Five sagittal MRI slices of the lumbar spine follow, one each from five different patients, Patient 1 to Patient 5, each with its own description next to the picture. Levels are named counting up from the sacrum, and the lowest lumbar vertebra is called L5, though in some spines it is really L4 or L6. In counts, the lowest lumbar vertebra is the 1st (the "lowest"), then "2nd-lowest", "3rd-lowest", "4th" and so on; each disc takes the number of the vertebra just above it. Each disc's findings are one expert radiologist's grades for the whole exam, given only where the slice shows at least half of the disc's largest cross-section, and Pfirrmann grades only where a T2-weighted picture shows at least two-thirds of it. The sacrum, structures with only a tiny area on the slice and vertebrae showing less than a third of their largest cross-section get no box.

Patient 1 of 5:
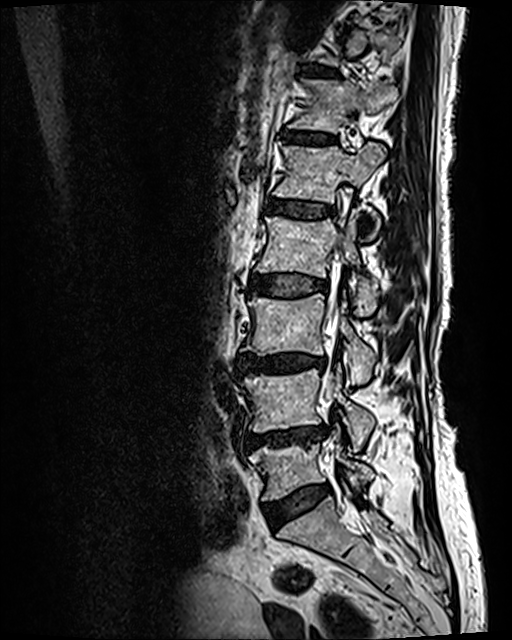 MRI lumbar spine (T2 SPACE (3D)), sagittal plane
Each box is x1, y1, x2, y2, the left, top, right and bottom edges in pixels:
Structures:
• 5th vertebra at 273, 143, 386, 238
• 4th vertebra at 256, 212, 379, 315
• 2nd-lowest vertebra at 239, 365, 374, 450
• lowest vertebra at 249, 434, 374, 500
• 5th disc at 267, 200, 333, 218
• spinal canal at 323, 255, 341, 398
• 4th disc at 254, 274, 328, 296
• 2nd-lowest disc at 240, 424, 329, 452
• 3rd-lowest vertebra at 242, 294, 376, 383
• 6th disc at 285, 131, 335, 144
• 3rd-lowest disc at 236, 354, 327, 373
• 6th vertebra at 289, 79, 397, 132
• lowest disc at 264, 485, 329, 527
• 7th disc at 305, 67, 335, 75

Degenerative findings by level:
• 2nd-lowest disc: Pfirrmann grade 4, disc bulging, disc narrowing, lower-endplate change, Modic type II, upper-endplate change
• 3rd-lowest disc: Pfirrmann grade 4, disc narrowing, Modic type II, upper-endplate change, disc bulging, lower-endplate change
• 4th disc: Pfirrmann grade 3, upper-endplate change, disc bulging, Modic type II, lower-endplate change
• 5th disc: Pfirrmann grade 3, upper-endplate change, lower-endplate change, Modic type II
• lowest disc: Pfirrmann grade 2, disc bulging
• 6th disc: Modic type II, upper-endplate change, lower-endplate change

Patient 2 of 5:
Sagittal T2-weighted lumbar spine MRI; Sex F; Image 448x450; Slice 9 of 26
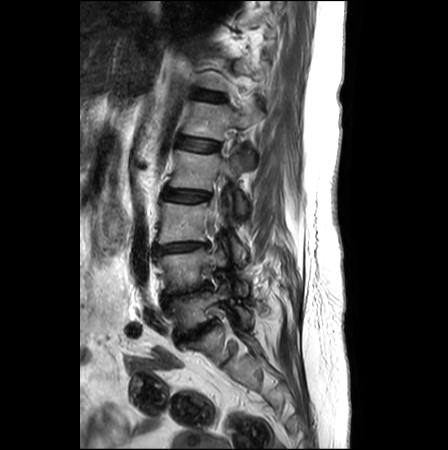

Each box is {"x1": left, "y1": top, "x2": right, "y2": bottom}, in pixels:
3rd-lowest disc at {"x1": 154, "y1": 242, "x2": 210, "y2": 253}, lowest vertebra at {"x1": 164, "y1": 284, "x2": 251, "y2": 334}, 4th vertebra at {"x1": 170, "y1": 150, "x2": 246, "y2": 213}, lowest disc at {"x1": 178, "y1": 319, "x2": 216, "y2": 342}, 2nd-lowest vertebra at {"x1": 155, "y1": 249, "x2": 248, "y2": 295}, 5th vertebra at {"x1": 184, "y1": 98, "x2": 263, "y2": 166}, 3rd-lowest vertebra at {"x1": 158, "y1": 202, "x2": 245, "y2": 259}, 2nd-lowest disc at {"x1": 164, "y1": 282, "x2": 211, "y2": 303}, 4th disc at {"x1": 164, "y1": 189, "x2": 209, "y2": 201}, 6th disc at {"x1": 198, "y1": 93, "x2": 224, "y2": 101}, 5th disc at {"x1": 178, "y1": 138, "x2": 218, "y2": 151}.

Degenerative findings by level:
  3rd-lowest disc: Pfirrmann grade 4, disc bulging, disc narrowing, upper-endplate change, lower-endplate change
  5th disc: Pfirrmann grade 2
  4th disc: Pfirrmann grade 3, disc bulging
  lowest disc: Pfirrmann grade 5, disc bulging, upper-endplate change, Modic type II, lower-endplate change, disc narrowing

Patient 3 of 5:
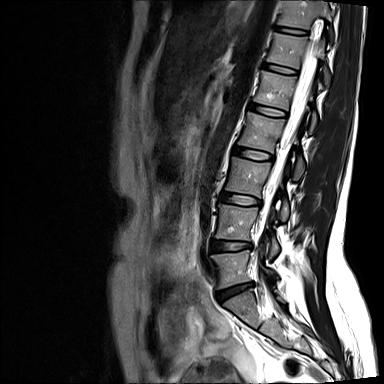
Field of view 280x280 mm, slice spacing 4.8 mm; Slice 10 of 15; Sagittal T2-weighted lumbar spine MRI
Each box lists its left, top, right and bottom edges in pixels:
L4: left=215, top=205, right=278, bottom=259.
T12 vertebra: left=266, top=33, right=330, bottom=85.
L1: left=254, top=70, right=317, bottom=132.
L5 vertebra: left=211, top=250, right=278, bottom=288.
Thecal sac / spinal canal: left=257, top=38, right=317, bottom=266.
L2: left=239, top=111, right=304, bottom=178.
Disc T12/L1: left=263, top=63, right=295, bottom=73.
T11 vertebra: left=278, top=0, right=331, bottom=42.
Disc L4/L5: left=211, top=239, right=250, bottom=250.
Disc L5/S1: left=217, top=283, right=250, bottom=298.
L3 vertebra: left=225, top=157, right=288, bottom=222.
L1/L2: left=249, top=103, right=284, bottom=116.
Disc T11/T12: left=276, top=26, right=306, bottom=34.
L2/L3: left=233, top=147, right=271, bottom=159.
L3/L4: left=221, top=193, right=259, bottom=204.

Per-level radiological findings:
- L4/L5: Pfirrmann grade 3, disc narrowing
- L3/L4: Pfirrmann grade 2
- L2/L3: Pfirrmann grade 2
- L1/L2: Pfirrmann grade 2
- T12/L1: Pfirrmann grade 2
- L5/S1: Pfirrmann grade 4, disc herniation, Modic type II, disc bulging, disc narrowing
- T11/T12: Pfirrmann grade 2

Patient 4 of 5:
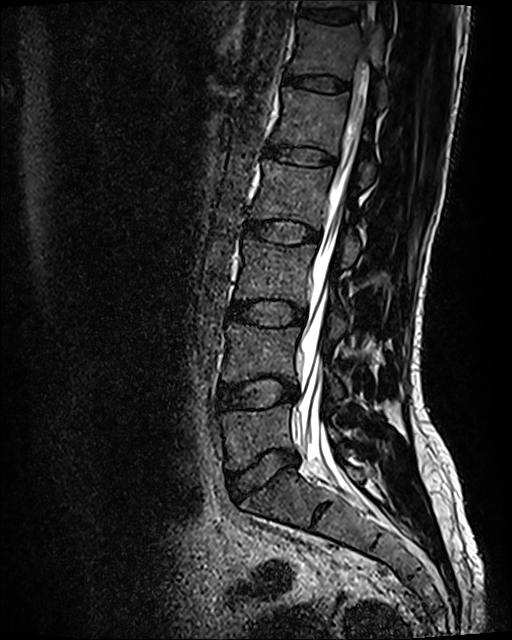

Sagittal T2 SPACE (3D) lumbar spine MRI. Sagittal slice index 49.

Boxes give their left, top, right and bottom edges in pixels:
L4: left=222, top=323, right=342, bottom=397.
L4/L5: left=219, top=377, right=297, bottom=410.
L5 vertebra: left=219, top=403, right=338, bottom=470.
L1: left=271, top=87, right=376, bottom=185.
Disc L2/L3: left=243, top=218, right=319, bottom=244.
Disc T12/L1: left=285, top=75, right=348, bottom=92.
Disc L3/L4: left=229, top=299, right=305, bottom=327.
T11/T12: left=299, top=6, right=357, bottom=23.
L2: left=251, top=159, right=359, bottom=268.
L3 vertebra: left=236, top=236, right=351, bottom=337.
Spinal canal: left=299, top=114, right=363, bottom=490.
T11: left=301, top=0, right=361, bottom=9.
T12: left=288, top=20, right=387, bottom=106.
Disc L5/S1: left=227, top=450, right=298, bottom=500.
Disc L1/L2: left=267, top=144, right=335, bottom=166.

Per-level radiological findings:
• L1/L2: Pfirrmann grade 2
• T11/T12: Pfirrmann grade 2
• L2/L3: Pfirrmann grade 2
• L5/S1: Pfirrmann grade 2, disc bulging
• L4/L5: Pfirrmann grade 2, disc bulging
• L3/L4: Pfirrmann grade 2, disc bulging
• T12/L1: Pfirrmann grade 2

Patient 5 of 5:
Slice spacing 4.4 mm, Sagittal T2-weighted lumbar spine MRI, Sagittal slice index 12 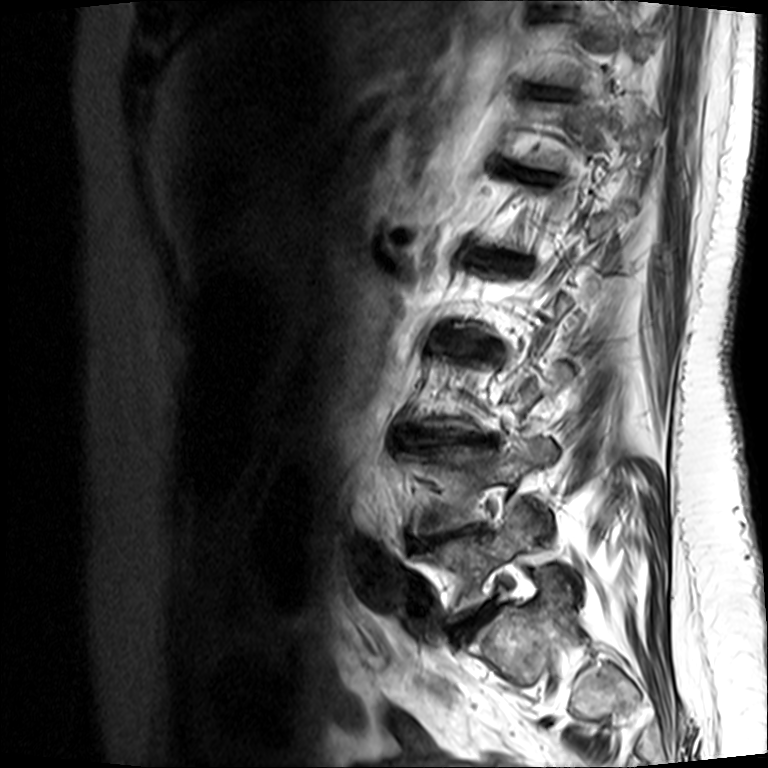

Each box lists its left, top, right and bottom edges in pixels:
Intervertebral disc L3/L4 at left=411, top=430, right=491, bottom=448; L4 at left=405, top=438, right=556, bottom=536; T11/T12 at left=537, top=86, right=570, bottom=95; L4/L5 at left=415, top=525, right=482, bottom=547; intervertebral disc L1/L2 at left=491, top=255, right=522, bottom=265; L5 at left=413, top=503, right=578, bottom=620; intervertebral disc L5/S1 at left=453, top=603, right=494, bottom=636; T12/L1 at left=503, top=164, right=554, bottom=180.